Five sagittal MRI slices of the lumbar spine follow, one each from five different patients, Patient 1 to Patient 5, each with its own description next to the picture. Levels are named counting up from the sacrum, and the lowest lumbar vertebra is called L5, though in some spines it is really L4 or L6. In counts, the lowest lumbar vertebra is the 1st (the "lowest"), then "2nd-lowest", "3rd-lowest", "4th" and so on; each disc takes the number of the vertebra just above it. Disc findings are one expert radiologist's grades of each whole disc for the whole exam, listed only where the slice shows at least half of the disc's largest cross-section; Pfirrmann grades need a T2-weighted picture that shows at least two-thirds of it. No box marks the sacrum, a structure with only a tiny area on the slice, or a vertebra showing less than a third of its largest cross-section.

Patient 1 of 5:
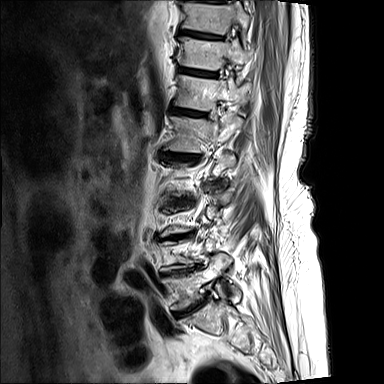 MRI lumbar spine (T2-weighted), sagittal plane

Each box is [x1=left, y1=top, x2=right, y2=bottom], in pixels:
L1/L2 at [x1=166, y1=153, x2=198, y2=159], T11/T12 at [x1=181, y1=69, x2=214, y2=76], L5 at [x1=163, y1=254, x2=241, y2=309], intervertebral disc T10/T11 at [x1=178, y1=30, x2=220, y2=39], T10 vertebra at [x1=183, y1=3, x2=250, y2=34], T12/L1 at [x1=171, y1=108, x2=203, y2=116], T11 vertebra at [x1=181, y1=37, x2=249, y2=70], L1 vertebra at [x1=167, y1=116, x2=242, y2=152], intervertebral disc L4/L5 at [x1=165, y1=269, x2=189, y2=275], T12 at [x1=175, y1=75, x2=239, y2=110], L5/S1 at [x1=175, y1=301, x2=202, y2=315].

Degenerative findings by level:
  T11/T12: upper-endplate change
  T10/T11: Pfirrmann grade 4, upper-endplate change
  L1/L2: disc bulging, upper-endplate change, disc narrowing, lower-endplate change, Modic type I
  T12/L1: no spondylolisthesis, narrowing, bulging, herniation, Modic or endplate change recorded

Patient 2 of 5:
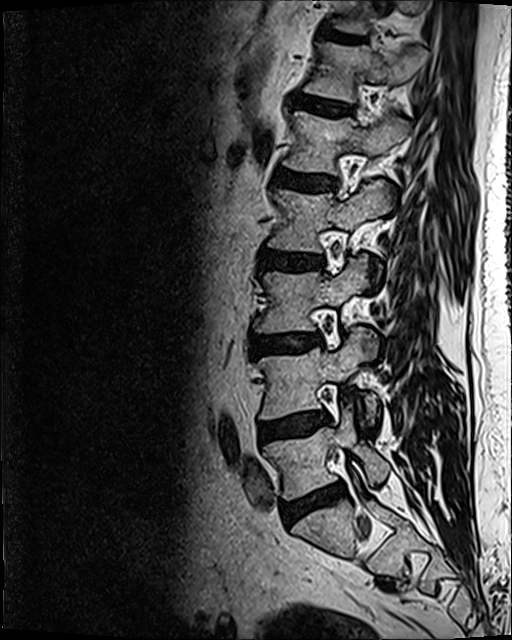 512x640 px. Field of view 240x300 mm. Sex M. Sagittal slice index 40. T2 SPACE (3D) sagittal MRI of the lumbar spine.
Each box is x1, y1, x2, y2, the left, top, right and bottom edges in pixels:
IVD L2/L3 (4th disc): 260, 250, 320, 267.
L2 (4th vertebra): 268, 180, 391, 274.
T12 (6th vertebra): 304, 43, 427, 102.
IVD L5/S1 (lowest disc): 282, 484, 344, 522.
IVD T12/L1 (6th disc): 293, 96, 351, 114.
IVD L3/L4 (3rd-lowest disc): 249, 335, 317, 354.
IVD L4/L5 (2nd-lowest disc): 259, 411, 328, 442.
L4 (2nd-lowest vertebra): 259, 328, 378, 422.
IVD T11/T12 (7th disc): 324, 29, 367, 43.
L3 (3rd-lowest vertebra): 254, 255, 368, 333.
L1 (5th vertebra): 282, 111, 410, 174.
L5 (lowest vertebra): 263, 404, 390, 499.
IVD L1/L2 (5th disc): 273, 168, 336, 191.

Per-level radiological findings:
  L4/L5 (2nd-lowest disc): Pfirrmann grade 2, disc bulging, Modic type II
  L2/L3 (4th disc): disc bulging
  L3/L4 (3rd-lowest disc): Pfirrmann grade 2, Modic type II, disc bulging
  L5/S1 (lowest disc): Modic type II, disc narrowing, disc bulging
  T12/L1 (6th disc): Pfirrmann grade 2
  L1/L2 (5th disc): Pfirrmann grade 3, disc bulging
  T11/T12 (7th disc): no herniation, bulging, narrowing, spondylolisthesis, endplate or Modic change recorded

Patient 3 of 5:
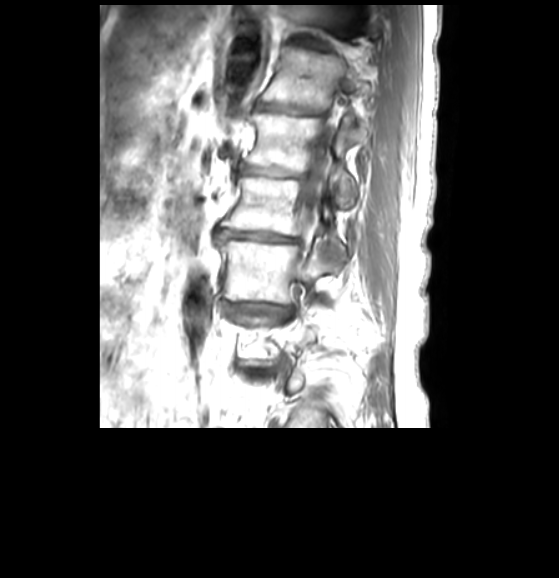 MRI lumbar spine (T1-weighted), sagittal plane. Sagittal slice index 30.
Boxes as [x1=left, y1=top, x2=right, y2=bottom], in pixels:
L1 vertebra: [x1=245, y1=113, x2=369, y2=205]
thecal sac / spinal canal: [x1=297, y1=118, x2=334, y2=252]
L1/L2: [x1=238, y1=164, x2=302, y2=179]
L2: [x1=222, y1=177, x2=344, y2=257]
IVD L3/L4: [x1=228, y1=302, x2=290, y2=316]
T12/L1: [x1=257, y1=103, x2=321, y2=115]
L3 vertebra: [x1=220, y1=237, x2=337, y2=302]
IVD T11/T12: [x1=291, y1=37, x2=326, y2=49]
IVD L2/L3: [x1=215, y1=228, x2=299, y2=242]
T12 vertebra: [x1=262, y1=47, x2=370, y2=111]

Radiological gradings:
  L1/L2: disc narrowing
  T11/T12: disc narrowing
  L2/L3: disc bulging, disc narrowing
  L3/L4: disc narrowing, disc bulging

Patient 4 of 5:
Lumbar spine MR, T1-weighted, sagittal 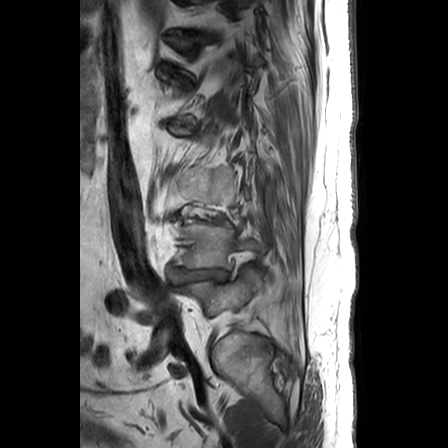

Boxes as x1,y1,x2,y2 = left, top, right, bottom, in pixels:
L3/L4 — 183,219,229,226.
IVD L4/L5 — 173,269,226,282.
L5 vertebra — 174,268,262,315.
L4 vertebra — 178,223,259,267.

Radiological gradings:
• L4/L5: Modic type II, disc herniation, disc bulging, disc narrowing
• L3/L4: Modic type II, disc narrowing, disc bulging, disc herniation

Patient 5 of 5:
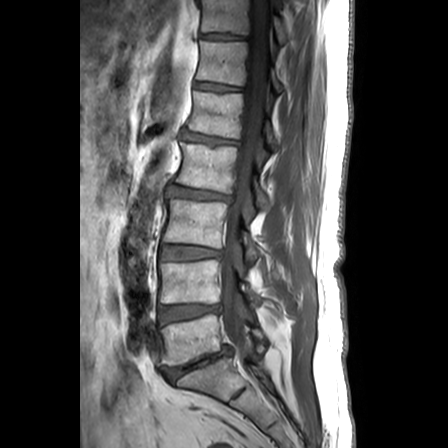 Lumbar spine MR, T1-weighted, sagittal. Sagittal slice index 13.
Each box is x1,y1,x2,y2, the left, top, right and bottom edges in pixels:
3rd-lowest vertebra at 163,199,259,263.
Lowest vertebra at 158,314,266,365.
6th vertebra at 197,41,282,92.
7th disc at 200,34,246,39.
2nd-lowest vertebra at 160,260,260,303.
5th disc at 183,132,237,144.
Lowest disc at 164,346,230,381.
4th disc at 168,186,231,201.
3rd-lowest disc at 161,245,221,259.
6th disc at 195,81,240,90.
5th vertebra at 188,91,278,150.
Spinal canal at 220,0,268,357.
7th vertebra at 201,0,289,45.
4th vertebra at 175,142,269,208.
2nd-lowest disc at 159,305,218,322.

Expert MSK radiologist gradings (per disc):
  4th disc: disc bulging
  5th disc: lower-endplate change, disc bulging, upper-endplate change, Modic type II
  lowest disc: disc herniation, disc narrowing, disc bulging, Modic type II, spondylolisthesis, lower-endplate change, upper-endplate change
  2nd-lowest disc: disc bulging, disc narrowing
  3rd-lowest disc: disc bulging
  6th disc, 7th disc: no herniation, bulging, narrowing, spondylolisthesis, endplate or Modic change recorded